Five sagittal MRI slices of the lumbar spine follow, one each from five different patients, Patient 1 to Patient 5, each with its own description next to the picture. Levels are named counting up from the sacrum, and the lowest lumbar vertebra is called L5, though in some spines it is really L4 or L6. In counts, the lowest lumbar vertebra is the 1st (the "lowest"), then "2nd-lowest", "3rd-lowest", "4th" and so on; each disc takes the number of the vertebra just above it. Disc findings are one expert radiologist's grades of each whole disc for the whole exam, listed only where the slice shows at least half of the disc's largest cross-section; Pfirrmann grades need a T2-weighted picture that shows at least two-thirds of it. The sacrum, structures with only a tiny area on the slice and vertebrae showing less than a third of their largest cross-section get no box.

Patient 1 of 5:
MRI lumbar spine (T2 SPACE (3D)), sagittal plane; Patient sex: M; Slice 51/120
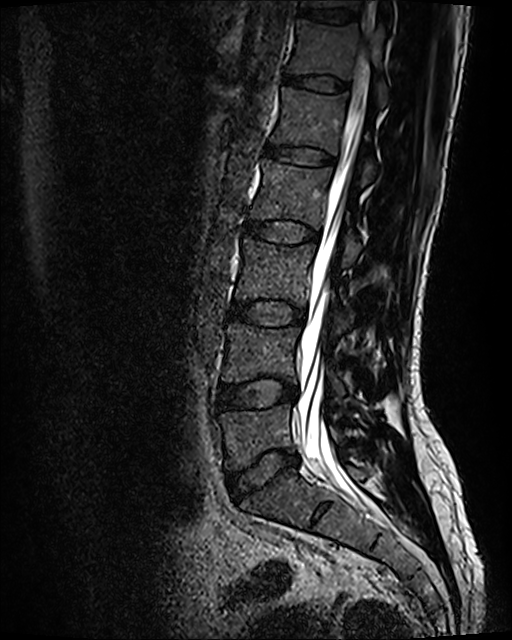
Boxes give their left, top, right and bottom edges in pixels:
L1/L2 (5th disc): left=266, top=145, right=334, bottom=166
spinal canal: left=299, top=53, right=367, bottom=503
L2 (4th vertebra): left=250, top=159, right=359, bottom=267
L5/S1 (lowest disc): left=227, top=451, right=298, bottom=500
L4 (2nd-lowest vertebra): left=222, top=323, right=344, bottom=397
T12 (6th vertebra): left=288, top=20, right=387, bottom=106
L3 (3rd-lowest vertebra): left=235, top=236, right=353, bottom=334
T11/T12 (7th disc): left=298, top=7, right=357, bottom=24
T12/L1 (6th disc): left=284, top=75, right=348, bottom=92
L2/L3 (4th disc): left=242, top=219, right=318, bottom=244
L5 (lowest vertebra): left=219, top=403, right=341, bottom=470
intervertebral disc L3/L4 (3rd-lowest disc): left=229, top=299, right=305, bottom=327
L1 (5th vertebra): left=271, top=88, right=376, bottom=184
L4/L5 (2nd-lowest disc): left=219, top=377, right=297, bottom=409
T11 (7th vertebra): left=300, top=0, right=393, bottom=19

Expert MSK radiologist gradings (per disc):
  L5/S1 (lowest disc): Pfirrmann grade 2, disc bulging
  L4/L5 (2nd-lowest disc): Pfirrmann grade 2, disc bulging
  T12/L1 (6th disc): Pfirrmann grade 2
  T11/T12 (7th disc): Pfirrmann grade 2
  L2/L3 (4th disc): Pfirrmann grade 2
  L1/L2 (5th disc): Pfirrmann grade 2
  L3/L4 (3rd-lowest disc): Pfirrmann grade 2, disc bulging

Patient 2 of 5:
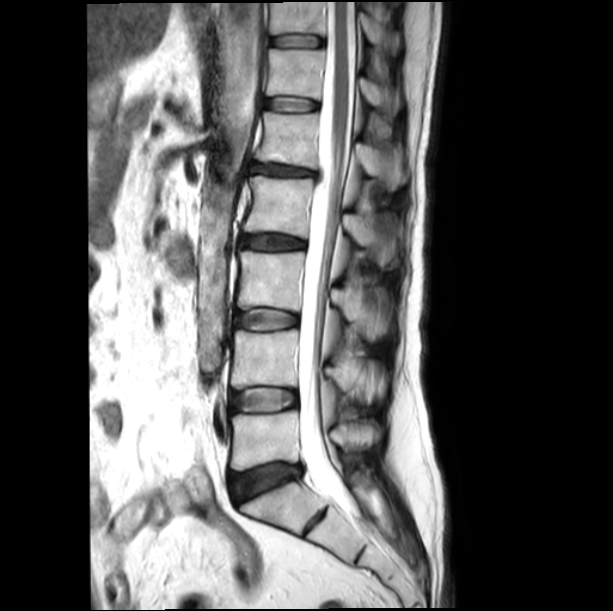 Sex M. Image 613x611. Sagittal T2-weighted lumbar spine MRI.
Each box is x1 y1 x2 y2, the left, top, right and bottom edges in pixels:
lowest disc: 231 464 301 502
6th vertebra: 267 49 401 112
6th disc: 264 97 317 111
3rd-lowest disc: 235 309 297 330
5th vertebra: 256 112 408 190
2nd-lowest vertebra: 231 330 386 398
4th vertebra: 243 176 403 267
lowest vertebra: 231 410 379 470
2nd-lowest disc: 231 388 297 412
5th disc: 250 163 316 176
3rd-lowest vertebra: 238 251 392 340
7th vertebra: 270 2 399 52
thecal sac / spinal canal: 299 2 355 515
4th disc: 241 235 305 250
7th disc: 270 36 323 47

Radiological gradings:
  4th disc: Pfirrmann grade 3
  6th disc: Pfirrmann grade 1
  5th disc: Pfirrmann grade 3, disc narrowing, disc bulging
  3rd-lowest disc: Pfirrmann grade 1
  lowest disc: Pfirrmann grade 3, disc bulging
  7th disc: Pfirrmann grade 1
  2nd-lowest disc: Pfirrmann grade 1

Patient 3 of 5:
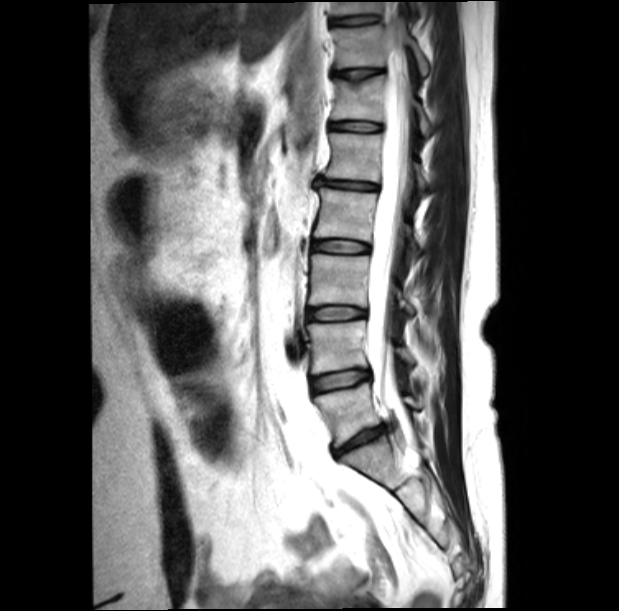 Slice 11/22; MRI lumbar spine (T2-weighted), sagittal plane; 619x611 px
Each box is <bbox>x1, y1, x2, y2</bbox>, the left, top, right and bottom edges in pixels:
L3 at <bbox>310, 254, 412, 314</bbox>, intervertebral disc L5/S1 at <bbox>334, 426, 384, 455</bbox>, T11 vertebra at <bbox>334, 18, 430, 75</bbox>, T12 at <bbox>333, 75, 432, 135</bbox>, L4 at <bbox>308, 320, 412, 374</bbox>, T10 at <bbox>334, 2, 383, 16</bbox>, L5 vertebra at <bbox>314, 383, 419, 446</bbox>, intervertebral disc T11/T12 at <bbox>334, 69, 379, 80</bbox>, intervertebral disc T12/L1 at <bbox>331, 122, 381, 131</bbox>, intervertebral disc L3/L4 at <bbox>308, 307, 364, 320</bbox>, L1 at <bbox>326, 133, 427, 190</bbox>, L4/L5 at <bbox>311, 370, 369, 391</bbox>, intervertebral disc T10/T11 at <bbox>333, 15, 378, 26</bbox>, L2/L3 at <bbox>313, 240, 368, 252</bbox>, intervertebral disc L1/L2 at <bbox>318, 178, 378, 189</bbox>, spinal canal at <bbox>367, 1, 412, 448</bbox>, L2 vertebra at <bbox>314, 188, 419, 258</bbox>.

Radiological gradings:
• T12/L1: Pfirrmann grade 2
• L5/S1: disc narrowing, disc herniation
• L1/L2: Pfirrmann grade 1, disc narrowing, disc bulging
• L4/L5: Pfirrmann grade 2, disc bulging
• T11/T12: Pfirrmann grade 2, upper-endplate change
• L3/L4: Pfirrmann grade 2
• T10/T11: Pfirrmann grade 2
• L2/L3: Pfirrmann grade 2

Patient 4 of 5:
Sex M. Lumbar spine MR, T2-weighted, sagittal. Image 512x512. 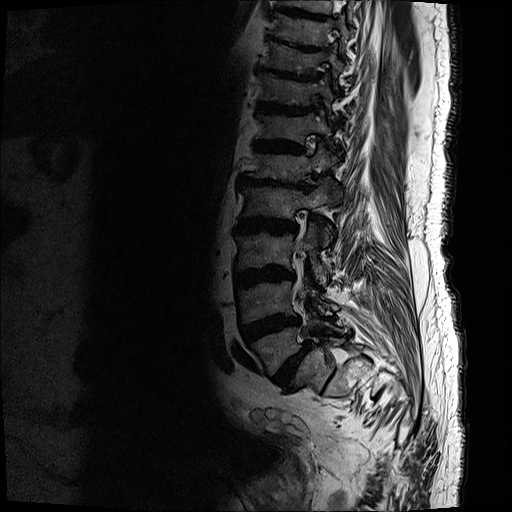 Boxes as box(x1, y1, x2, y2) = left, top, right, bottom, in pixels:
L4/L5 (2nd-lowest disc): box(239, 315, 302, 343) | disc T10/T11 (8th disc): box(256, 66, 317, 81) | L3 (3rd-lowest vertebra): box(237, 223, 328, 286) | T12 (6th vertebra): box(255, 108, 341, 156) | L5 (lowest vertebra): box(247, 314, 351, 376) | L2 (4th vertebra): box(242, 178, 335, 247) | L3/L4 (3rd-lowest disc): box(235, 266, 294, 287) | T12/L1 (6th disc): box(253, 139, 306, 155) | T10 (8th vertebra): box(261, 40, 344, 90) | T9/T10 (9th disc): box(270, 37, 325, 53) | T11 (7th vertebra): box(259, 73, 334, 107) | disc L5/S1 (lowest disc): box(273, 342, 312, 389) | T11/T12 (7th disc): box(255, 102, 314, 115) | L1 (5th vertebra): box(247, 143, 340, 183) | L4 (2nd-lowest vertebra): box(235, 264, 339, 322) | disc L2/L3 (4th disc): box(235, 217, 298, 235) | disc L1/L2 (5th disc): box(240, 174, 312, 192)

Per-level radiological findings:
• L2/L3 (4th disc): Pfirrmann grade 5, upper-endplate change, lower-endplate change, disc narrowing, disc bulging, Modic type II
• T12/L1 (6th disc): Pfirrmann grade 5, Modic type II, disc bulging, disc narrowing, lower-endplate change, upper-endplate change
• L3/L4 (3rd-lowest disc): Pfirrmann grade 5, disc bulging, disc narrowing, upper-endplate change, lower-endplate change, Modic type II
• L5/S1 (lowest disc): Pfirrmann grade 5, lower-endplate change, spondylolisthesis, upper-endplate change, Modic type II, disc bulging, disc narrowing
• L1/L2 (5th disc): Pfirrmann grade 5, disc narrowing, lower-endplate change, upper-endplate change, disc bulging, Modic type II
• T11/T12 (7th disc): Pfirrmann grade 5, upper-endplate change, lower-endplate change, disc narrowing, disc bulging, Modic type II
• T9/T10 (9th disc): disc narrowing, Modic type II, lower-endplate change, upper-endplate change, disc bulging
• L4/L5 (2nd-lowest disc): Pfirrmann grade 5, disc bulging, upper-endplate change, lower-endplate change, Modic type II, disc narrowing

Patient 5 of 5:
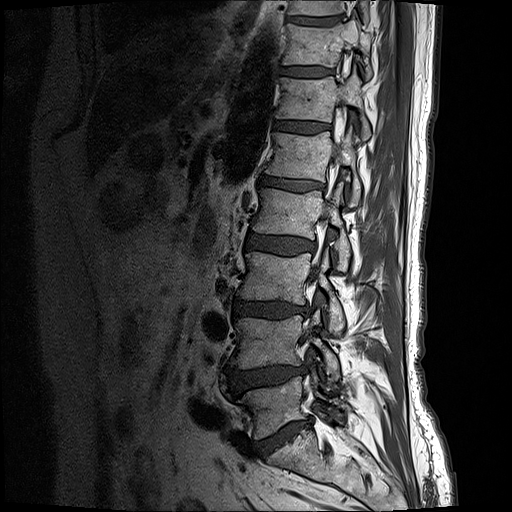

MRI lumbar spine (T1-weighted), sagittal plane. Sex M.
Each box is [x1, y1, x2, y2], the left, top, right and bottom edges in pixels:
L3 vertebra: [237, 250, 344, 332]
T12: [275, 69, 370, 139]
intervertebral disc L5/S1: [257, 419, 311, 457]
intervertebral disc L2/L3: [245, 231, 316, 255]
T11: [282, 15, 372, 78]
intervertebral disc L3/L4: [233, 301, 308, 318]
intervertebral disc L4/L5: [227, 364, 306, 391]
L4 vertebra: [230, 315, 340, 381]
L2 vertebra: [252, 184, 349, 270]
T12/L1: [273, 121, 329, 133]
intervertebral disc T10/T11: [288, 15, 340, 25]
L5 vertebra: [238, 376, 350, 439]
L1 vertebra: [265, 127, 360, 206]
T10: [288, 0, 370, 24]
T11/T12: [281, 67, 331, 77]
L1/L2: [260, 175, 324, 190]
thecal sac / spinal canal: [304, 151, 339, 342]

Per-level radiological findings:
  L5/S1: Modic type II, disc bulging, disc narrowing, lower-endplate change
  L4/L5: disc herniation, disc bulging
  L1/L2: disc bulging, disc narrowing, lower-endplate change, Modic type II, upper-endplate change
  L2/L3: disc bulging
  L3/L4: lower-endplate change, Modic type II, disc bulging, disc narrowing
  T12/L1, T11/T12: no Modic or endplate change, herniation, narrowing, bulging or spondylolisthesis recorded